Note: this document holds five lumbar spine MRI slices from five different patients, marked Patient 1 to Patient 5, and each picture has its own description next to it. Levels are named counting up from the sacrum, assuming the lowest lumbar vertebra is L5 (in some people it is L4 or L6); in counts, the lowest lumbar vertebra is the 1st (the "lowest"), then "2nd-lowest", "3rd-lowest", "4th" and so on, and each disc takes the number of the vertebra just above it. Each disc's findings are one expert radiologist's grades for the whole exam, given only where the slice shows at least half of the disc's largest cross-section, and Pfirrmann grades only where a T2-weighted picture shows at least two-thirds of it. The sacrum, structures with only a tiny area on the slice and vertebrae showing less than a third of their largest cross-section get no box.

Patient 1 of 5:
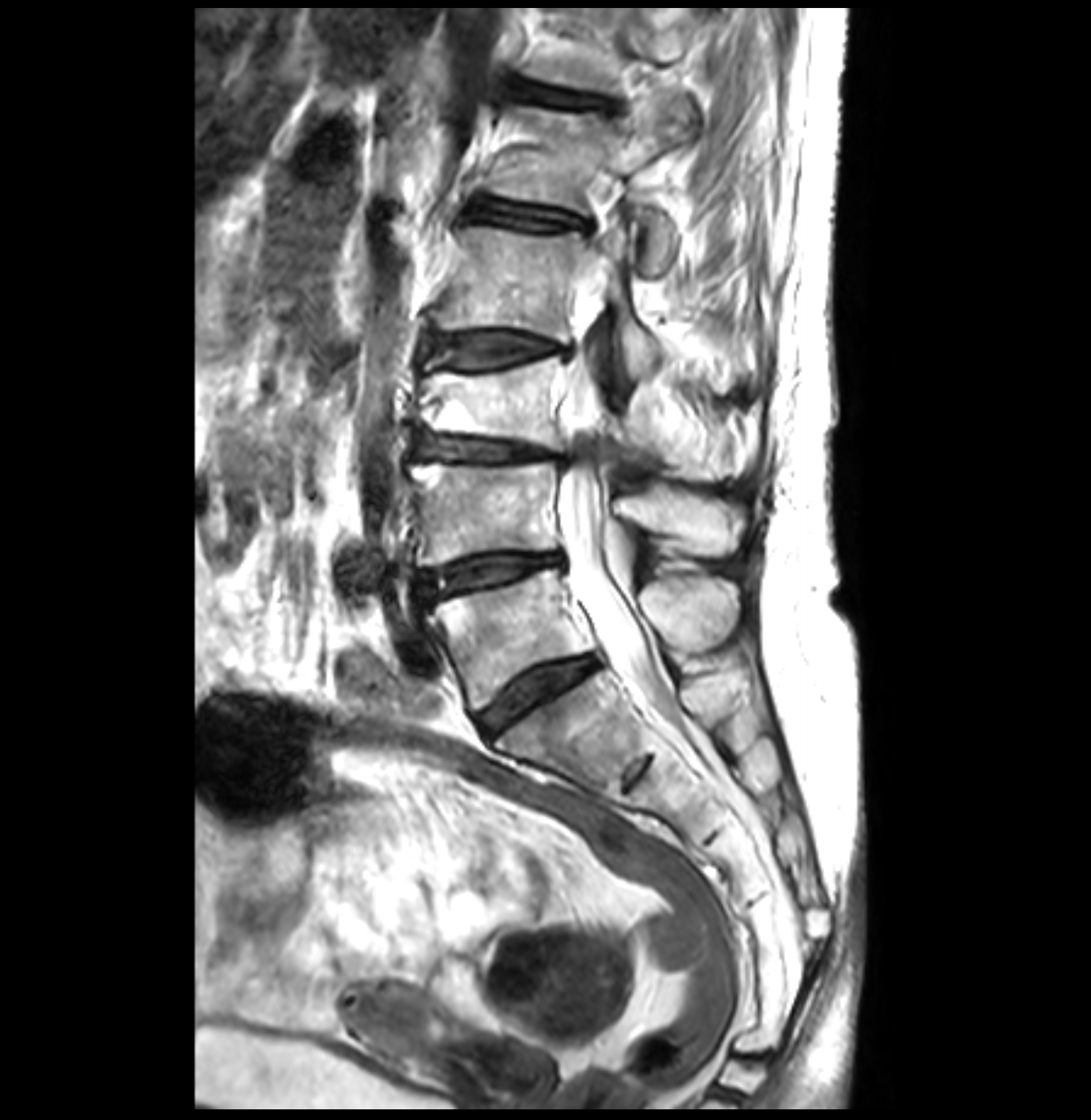 T2-weighted sagittal MRI of the lumbar spine, Patient sex: F, Slice 17 of 35

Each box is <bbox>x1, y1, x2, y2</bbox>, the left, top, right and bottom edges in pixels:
Disc L5/S1 (lowest disc) = <bbox>480, 655, 598, 734</bbox>.
L4/L5 (2nd-lowest disc) = <bbox>417, 552, 564, 605</bbox>.
Disc T12/L1 (6th disc) = <bbox>504, 77, 620, 108</bbox>.
L3 (3rd-lowest vertebra) = <bbox>419, 355, 728, 477</bbox>.
L5 (lowest vertebra) = <bbox>426, 568, 740, 711</bbox>.
Spinal canal = <bbox>560, 278, 664, 709</bbox>.
L1 (5th vertebra) = <bbox>485, 91, 681, 273</bbox>.
L4 (2nd-lowest vertebra) = <bbox>411, 460, 740, 566</bbox>.
Disc L2/L3 (4th disc) = <bbox>429, 331, 572, 369</bbox>.
T12 (6th vertebra) = <bbox>529, 9, 715, 90</bbox>.
Disc L3/L4 (3rd-lowest disc) = <bbox>414, 432, 564, 460</bbox>.
Disc L1/L2 (5th disc) = <bbox>470, 198, 594, 234</bbox>.
L2 (4th vertebra) = <bbox>433, 224, 664, 375</bbox>.

Degenerative findings by level:
• L5/S1 (lowest disc): Pfirrmann grade 3, disc bulging
• L1/L2 (5th disc): Pfirrmann grade 3, lower-endplate change, upper-endplate change
• T12/L1 (6th disc): Pfirrmann grade 3, upper-endplate change, disc bulging
• L3/L4 (3rd-lowest disc): upper-endplate change, disc bulging, disc narrowing, Modic type II
• L4/L5 (2nd-lowest disc): Pfirrmann grade 3, disc bulging, Modic type II, disc narrowing
• L2/L3 (4th disc): Pfirrmann grade 3, disc bulging, Modic type II

Patient 2 of 5:
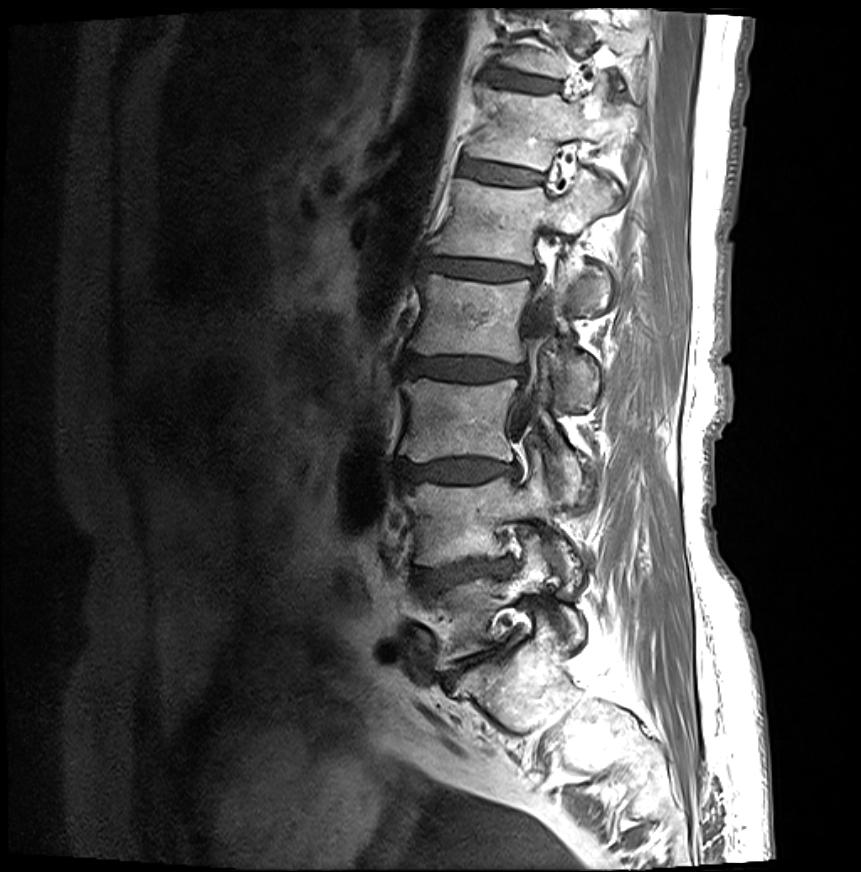 Sagittal slice index 18, Sagittal T1-weighted lumbar spine MRI, Image 861x872

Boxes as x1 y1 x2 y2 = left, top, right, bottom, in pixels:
L1 (5th vertebra): 429 169 619 313 | disc T11/T12 (7th disc): 489 71 557 93 | L5 (lowest vertebra): 427 535 584 670 | L3 (3rd-lowest vertebra): 400 368 587 503 | disc L3/L4 (3rd-lowest disc): 400 460 517 484 | T12 (6th vertebra): 466 85 635 170 | disc L5/S1 (lowest disc): 446 647 503 685 | disc L4/L5 (2nd-lowest disc): 415 560 512 591 | T12/L1 (6th disc): 461 163 539 186 | L2/L3 (4th disc): 404 357 522 381 | T11 (7th vertebra): 499 16 645 77 | L1/L2 (5th disc): 422 257 534 281 | L4 (2nd-lowest vertebra): 404 457 581 581 | spinal canal: 511 233 554 440 | L2 (4th vertebra): 409 271 609 408

Radiological gradings:
  T12/L1 (6th disc): lower-endplate change, Modic type II, upper-endplate change
  L1/L2 (5th disc): disc bulging, Modic type II, lower-endplate change, disc narrowing, upper-endplate change
  L3/L4 (3rd-lowest disc): upper-endplate change, disc bulging, Modic type II, lower-endplate change, disc narrowing
  T11/T12 (7th disc): upper-endplate change, lower-endplate change, Modic type II
  L4/L5 (2nd-lowest disc): lower-endplate change, disc narrowing, disc herniation, upper-endplate change, Modic type II, disc bulging
  L2/L3 (4th disc): lower-endplate change, upper-endplate change, disc bulging, disc narrowing, Modic type II

Patient 3 of 5:
Sex F | Lumbar spine MR, T2 SPACE (3D), sagittal
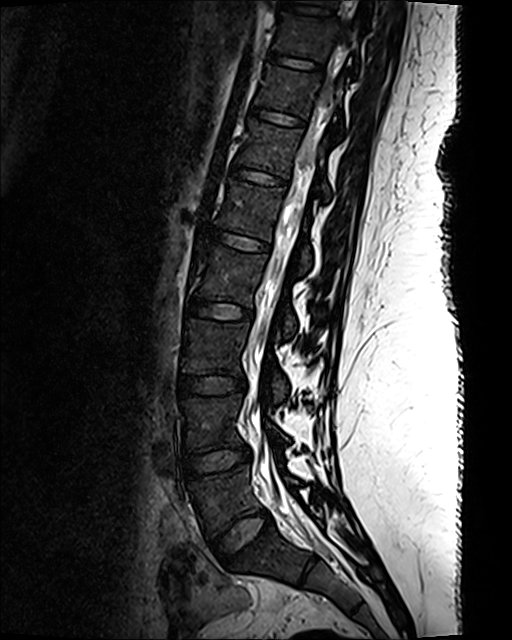 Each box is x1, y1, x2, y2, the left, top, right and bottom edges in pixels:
IVD L4/L5 at 183, 445, 250, 478; T12 vertebra at 236, 120, 331, 199; L3/L4 at 178, 375, 245, 396; IVD T11/T12 at 250, 106, 303, 126; T11 at 255, 65, 343, 135; T12/L1 at 230, 165, 285, 185; T10 at 272, 12, 359, 72; T10/T11 at 267, 52, 320, 69; L5 vertebra at 188, 464, 300, 537; L3 vertebra at 182, 318, 288, 399; L1 at 215, 181, 312, 270; thecal sac / spinal canal at 250, 0, 357, 560; IVD L2/L3 at 186, 299, 253, 319; L2 at 195, 246, 296, 332; IVD L5/S1 at 211, 510, 273, 565; IVD L1/L2 at 208, 229, 268, 250; L4 vertebra at 181, 394, 289, 452.

Expert MSK radiologist gradings (per disc):
  L2/L3: Pfirrmann grade 1
  L3/L4: Pfirrmann grade 1
  T10/T11: Pfirrmann grade 1
  T11/T12: Pfirrmann grade 1
  L4/L5: Pfirrmann grade 1
  T12/L1: Pfirrmann grade 1
  L5/S1: Pfirrmann grade 1
  L1/L2: Pfirrmann grade 1

Patient 4 of 5:
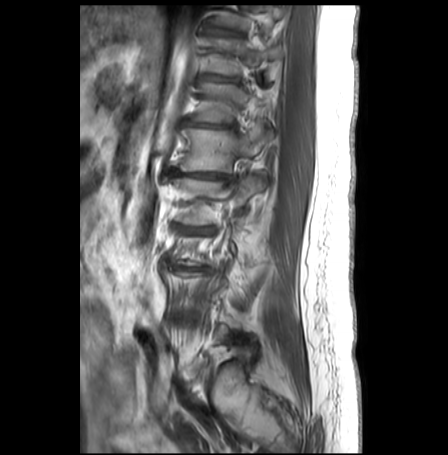

MRI lumbar spine (T1-weighted), sagittal plane. Image 448x455. Slice 8 of 30.
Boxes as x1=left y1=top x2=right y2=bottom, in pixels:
7th vertebra: x1=210 y1=38 x2=281 y2=74.
5th vertebra: x1=177 y1=120 x2=273 y2=171.
6th disc: x1=191 y1=122 x2=232 y2=127.
4th vertebra: x1=173 y1=176 x2=266 y2=224.
6th vertebra: x1=196 y1=83 x2=262 y2=122.
8th disc: x1=212 y1=28 x2=240 y2=35.
4th disc: x1=180 y1=225 x2=213 y2=233.
3rd-lowest disc: x1=174 y1=264 x2=210 y2=271.
5th disc: x1=172 y1=168 x2=229 y2=180.
8th vertebra: x1=218 y1=5 x2=289 y2=28.
7th disc: x1=209 y1=75 x2=234 y2=80.

Expert MSK radiologist gradings (per disc):
• 4th disc: lower-endplate change, Modic type II, disc bulging, upper-endplate change, disc narrowing
• 5th disc: Modic type II, lower-endplate change, disc narrowing, disc bulging, upper-endplate change

Patient 5 of 5:
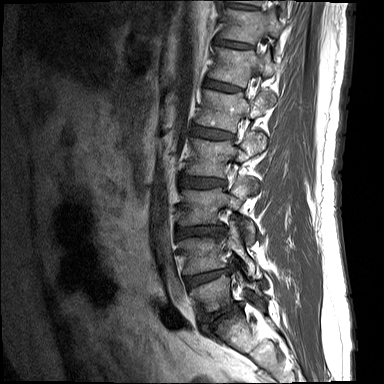

384x384 px, Field of view 280x280 mm, MRI lumbar spine (T1-weighted), sagittal plane
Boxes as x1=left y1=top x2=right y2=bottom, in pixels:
IVD L5/S1 at x1=203 y1=303 x2=240 y2=321, L2 at x1=187 y1=133 x2=266 y2=177, L3 vertebra at x1=180 y1=178 x2=254 y2=232, T10 at x1=234 y1=0 x2=285 y2=8, T11 at x1=221 y1=9 x2=283 y2=43, IVD L3/L4 at x1=177 y1=226 x2=225 y2=238, T12 at x1=210 y1=48 x2=276 y2=86, L5 vertebra at x1=190 y1=271 x2=266 y2=311, T12/L1 at x1=205 y1=79 x2=239 y2=91, L1 vertebra at x1=197 y1=90 x2=274 y2=131, L4/L5 at x1=186 y1=269 x2=228 y2=288, T10/T11 at x1=227 y1=2 x2=254 y2=8, L4 at x1=180 y1=223 x2=261 y2=277, IVD L2/L3 at x1=181 y1=176 x2=224 y2=187, IVD T11/T12 at x1=216 y1=39 x2=251 y2=48, L1/L2 at x1=191 y1=125 x2=232 y2=139.

Radiological gradings:
• L5/S1: disc narrowing, lower-endplate change, Modic type II, disc bulging, upper-endplate change
• L4/L5: disc bulging, lower-endplate change, Modic type II, disc narrowing, upper-endplate change
• L1/L2: upper-endplate change, disc bulging
• L3/L4: disc narrowing, lower-endplate change, disc bulging, upper-endplate change
• L2/L3: disc bulging
• T11/T12, T12/L1: no herniation, bulging, narrowing, spondylolisthesis, endplate or Modic change recorded